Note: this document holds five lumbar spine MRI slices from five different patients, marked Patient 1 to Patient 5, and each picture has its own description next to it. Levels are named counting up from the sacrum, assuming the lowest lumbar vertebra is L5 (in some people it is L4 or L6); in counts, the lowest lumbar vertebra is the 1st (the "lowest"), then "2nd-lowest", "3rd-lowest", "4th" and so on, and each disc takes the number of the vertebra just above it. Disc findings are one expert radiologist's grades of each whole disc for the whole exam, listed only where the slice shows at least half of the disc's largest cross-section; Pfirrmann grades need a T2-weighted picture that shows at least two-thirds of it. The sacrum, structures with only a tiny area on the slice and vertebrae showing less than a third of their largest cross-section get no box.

Patient 1 of 5:
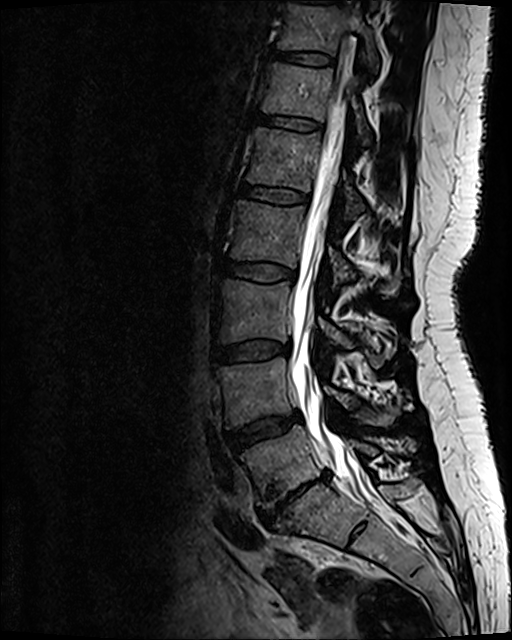 MRI lumbar spine (T2 SPACE (3D)), sagittal plane; Slice 68 of 120; Sex F

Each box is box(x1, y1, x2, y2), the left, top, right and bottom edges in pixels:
5th vertebra at box(247, 128, 364, 213) | 6th disc at box(257, 114, 320, 131) | 4th vertebra at box(230, 202, 400, 298) | lowest disc at box(259, 472, 329, 524) | 6th vertebra at box(262, 63, 371, 142) | 7th vertebra at box(277, 6, 378, 68) | thecal sac / spinal canal at box(290, 43, 389, 507) | lowest vertebra at box(241, 426, 377, 508) | 5th disc at box(240, 184, 308, 204) | 2nd-lowest vertebra at box(217, 357, 398, 427) | 4th disc at box(220, 260, 295, 280) | 7th disc at box(270, 50, 332, 63) | 2nd-lowest disc at box(227, 413, 300, 451) | 3rd-lowest vertebra at box(217, 281, 384, 366) | 3rd-lowest disc at box(212, 341, 289, 363)

Radiological gradings:
• 2nd-lowest disc: Pfirrmann grade 3, disc bulging
• 3rd-lowest disc: Pfirrmann grade 2, disc bulging
• 4th disc: Pfirrmann grade 2
• 5th disc: Pfirrmann grade 2
• 6th disc: Pfirrmann grade 2
• 7th disc: Pfirrmann grade 2
• lowest disc: disc narrowing, lower-endplate change, upper-endplate change, disc herniation, Modic type III, disc bulging

Patient 2 of 5:
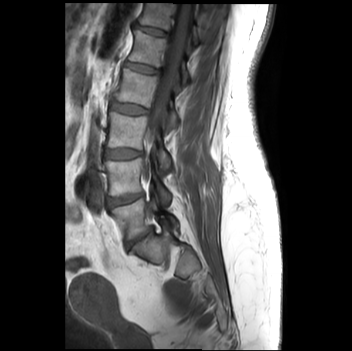 T1-weighted sagittal MRI of the lumbar spine, Slice 15 of 35

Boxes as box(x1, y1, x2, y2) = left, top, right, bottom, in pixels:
L4 (2nd-lowest vertebra): box(104, 158, 170, 203)
L5 (lowest vertebra): box(111, 198, 177, 238)
intervertebral disc L2/L3 (4th disc): box(110, 101, 147, 113)
T12 (6th vertebra): box(138, 3, 200, 43)
L3/L4 (3rd-lowest disc): box(104, 148, 141, 159)
L3 (3rd-lowest vertebra): box(107, 112, 169, 170)
thecal sac / spinal canal: box(146, 4, 193, 142)
T12/L1 (6th disc): box(135, 25, 168, 35)
intervertebral disc L5/S1 (lowest disc): box(127, 227, 152, 247)
intervertebral disc L1/L2 (5th disc): box(125, 62, 159, 73)
L1 (5th vertebra): box(128, 30, 189, 87)
intervertebral disc L4/L5 (2nd-lowest disc): box(108, 193, 142, 205)
L2 (4th vertebra): box(115, 69, 177, 129)

Expert MSK radiologist gradings (per disc):
• L2/L3 (4th disc), L1/L2 (5th disc), L3/L4 (3rd-lowest disc), L4/L5 (2nd-lowest disc), T12/L1 (6th disc): no Modic or endplate change, herniation, narrowing, bulging or spondylolisthesis recorded

Patient 3 of 5:
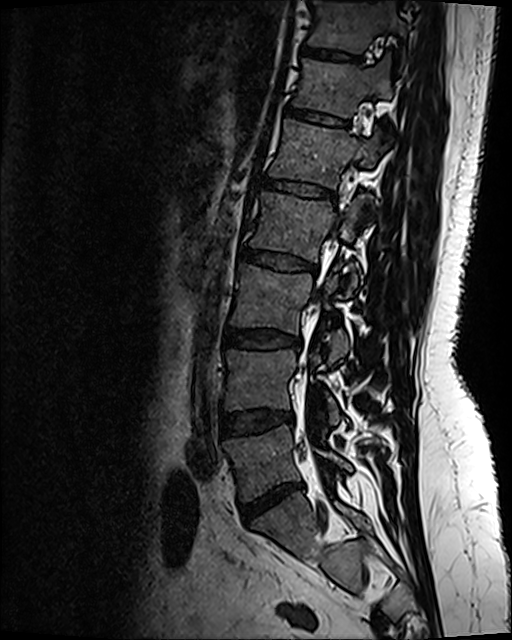
Sagittal T2 SPACE (3D) lumbar spine MRI, Field of view 240x300 mm, slice spacing 0.9 mm
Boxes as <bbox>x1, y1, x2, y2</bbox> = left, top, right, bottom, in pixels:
Segmented structures:
• 7th disc = <bbox>303, 51, 360, 63</bbox>
• 7th vertebra = <bbox>308, 3, 407, 54</bbox>
• 4th vertebra = <bbox>249, 193, 370, 294</bbox>
• 4th disc = <bbox>240, 249, 316, 272</bbox>
• 5th disc = <bbox>264, 181, 334, 200</bbox>
• 6th disc = <bbox>288, 108, 348, 130</bbox>
• 6th vertebra = <bbox>294, 61, 392, 117</bbox>
• lowest disc = <bbox>242, 485, 302, 522</bbox>
• lowest vertebra = <bbox>225, 425, 351, 499</bbox>
• 2nd-lowest vertebra = <bbox>225, 351, 340, 423</bbox>
• 3rd-lowest vertebra = <bbox>230, 264, 348, 363</bbox>
• 2nd-lowest disc = <bbox>222, 411, 292, 434</bbox>
• 5th vertebra = <bbox>270, 120, 380, 188</bbox>
• 3rd-lowest disc = <bbox>224, 329, 294, 348</bbox>

Expert MSK radiologist gradings (per disc):
• 7th disc: Pfirrmann grade 2
• 5th disc: Pfirrmann grade 2, lower-endplate change, upper-endplate change
• 6th disc: Pfirrmann grade 2, upper-endplate change, lower-endplate change
• 4th disc: Pfirrmann grade 4, upper-endplate change, disc bulging, lower-endplate change
• lowest disc: Pfirrmann grade 1, disc narrowing, disc herniation, disc bulging
• 2nd-lowest disc: Pfirrmann grade 2, disc bulging
• 3rd-lowest disc: Pfirrmann grade 2, disc bulging

Patient 4 of 5:
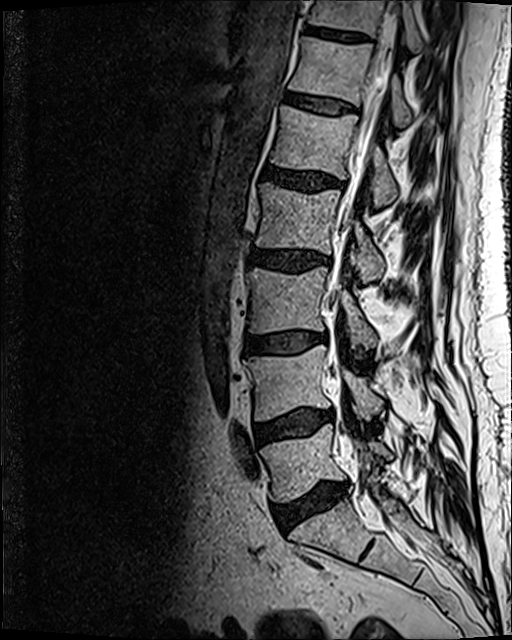 Slice 52/120 | T2 SPACE (3D) sagittal MRI of the lumbar spine

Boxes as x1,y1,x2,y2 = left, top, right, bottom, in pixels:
Segmented structures:
* 6th vertebra = 288,37,411,127
* 6th disc = 285,93,356,113
* lowest disc = 274,483,348,528
* 2nd-lowest disc = 255,410,331,444
* 4th vertebra = 256,183,384,283
* 3rd-lowest disc = 242,331,317,354
* 4th disc = 251,251,329,270
* spinal canal = 307,1,398,490
* 7th disc = 302,25,369,41
* 5th vertebra = 271,105,397,207
* lowest vertebra = 260,423,391,501
* 5th disc = 261,164,342,193
* 2nd-lowest vertebra = 244,345,383,420
* 7th vertebra = 310,0,422,52
* 3rd-lowest vertebra = 246,266,377,350

Per-level radiological findings:
• 6th disc: Pfirrmann grade 2
• 4th disc: Pfirrmann grade 3, disc bulging
• 3rd-lowest disc: Pfirrmann grade 2, Modic type II, disc bulging
• 2nd-lowest disc: Pfirrmann grade 2, Modic type II, disc bulging
• 5th disc: Pfirrmann grade 3, disc bulging
• lowest disc: Pfirrmann grade 3, disc narrowing, Modic type II, disc bulging
• 7th disc: Pfirrmann grade 3

Patient 5 of 5:
Lumbar spine MR, T2 SPACE (3D), sagittal. Slice 80 of 120. Patient sex: F.

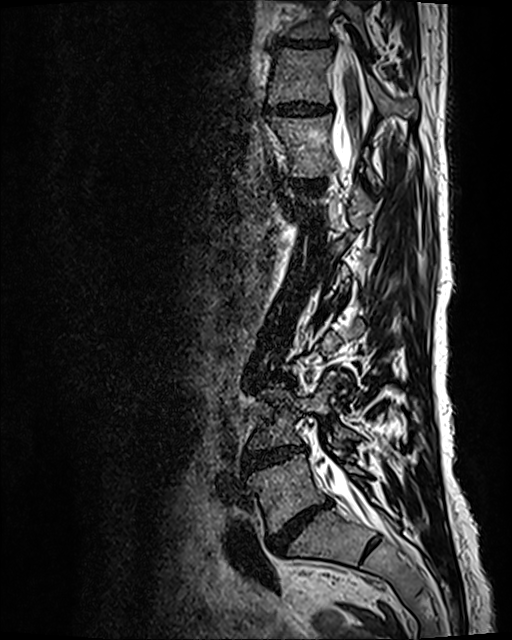
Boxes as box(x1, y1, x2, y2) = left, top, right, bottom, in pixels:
T10/T11: box(277, 38, 333, 47).
T11 vertebra: box(269, 48, 417, 117).
Spinal canal: box(316, 46, 404, 550).
IVD T12/L1: box(292, 180, 323, 188).
L5: box(248, 454, 364, 533).
T12: box(269, 115, 377, 184).
L3/L4: box(253, 374, 293, 383).
IVD L4/L5: box(242, 447, 305, 472).
L5/S1: box(269, 502, 328, 552).
IVD T11/T12: box(264, 99, 334, 116).
L4: box(249, 371, 358, 452).

Per-level radiological findings:
  T11/T12: Pfirrmann grade 3, disc bulging, disc narrowing
  L5/S1: Pfirrmann grade 5, Modic type II, upper-endplate change, lower-endplate change, disc narrowing, disc bulging
  T10/T11: Pfirrmann grade 3, disc narrowing, disc bulging
  L4/L5: Pfirrmann grade 4, Modic type II, disc narrowing, disc bulging